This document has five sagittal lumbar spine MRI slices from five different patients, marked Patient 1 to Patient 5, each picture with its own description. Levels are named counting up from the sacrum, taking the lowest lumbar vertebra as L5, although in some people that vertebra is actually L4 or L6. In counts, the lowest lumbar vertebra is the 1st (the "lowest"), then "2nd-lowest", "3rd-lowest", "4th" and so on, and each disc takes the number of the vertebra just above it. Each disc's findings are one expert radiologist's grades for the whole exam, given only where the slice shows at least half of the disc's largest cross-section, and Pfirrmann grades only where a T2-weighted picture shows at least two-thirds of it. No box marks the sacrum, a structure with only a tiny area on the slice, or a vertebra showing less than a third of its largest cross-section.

Patient 1 of 5:
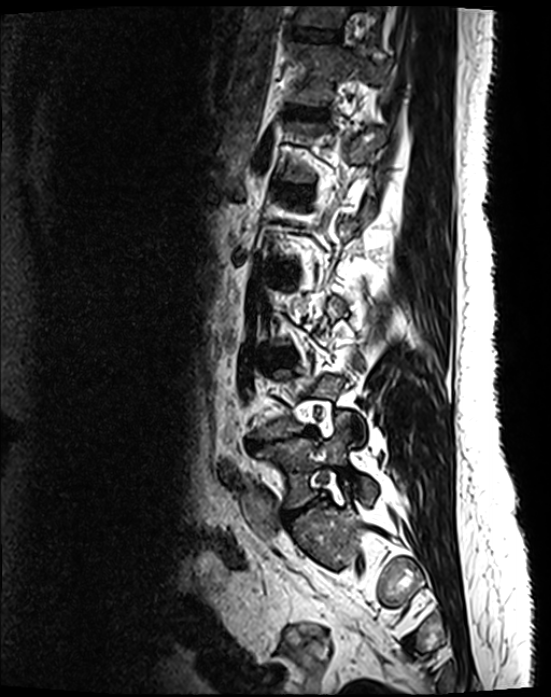

MRI lumbar spine (T2 SPACE (3D)), sagittal plane | Sex F | Slice 91 of 130
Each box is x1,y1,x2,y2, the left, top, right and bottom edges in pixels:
IVD L5/S1 (lowest disc) at 282,497,321,520; L1/L2 (5th disc) at 277,184,295,192; T11 (7th vertebra) at 294,5,379,26; T12 (6th vertebra) at 287,42,381,105; T11/T12 (7th disc) at 290,29,337,40; L4/L5 (2nd-lowest disc) at 248,428,317,448; IVD T12/L1 (6th disc) at 286,106,323,116; L3/L4 (3rd-lowest disc) at 272,351,293,361; L5 (lowest vertebra) at 255,415,375,507.

Degenerative findings by level:
- T11/T12 (7th disc): no Modic or endplate change, herniation, narrowing, bulging or spondylolisthesis recorded

Patient 2 of 5:
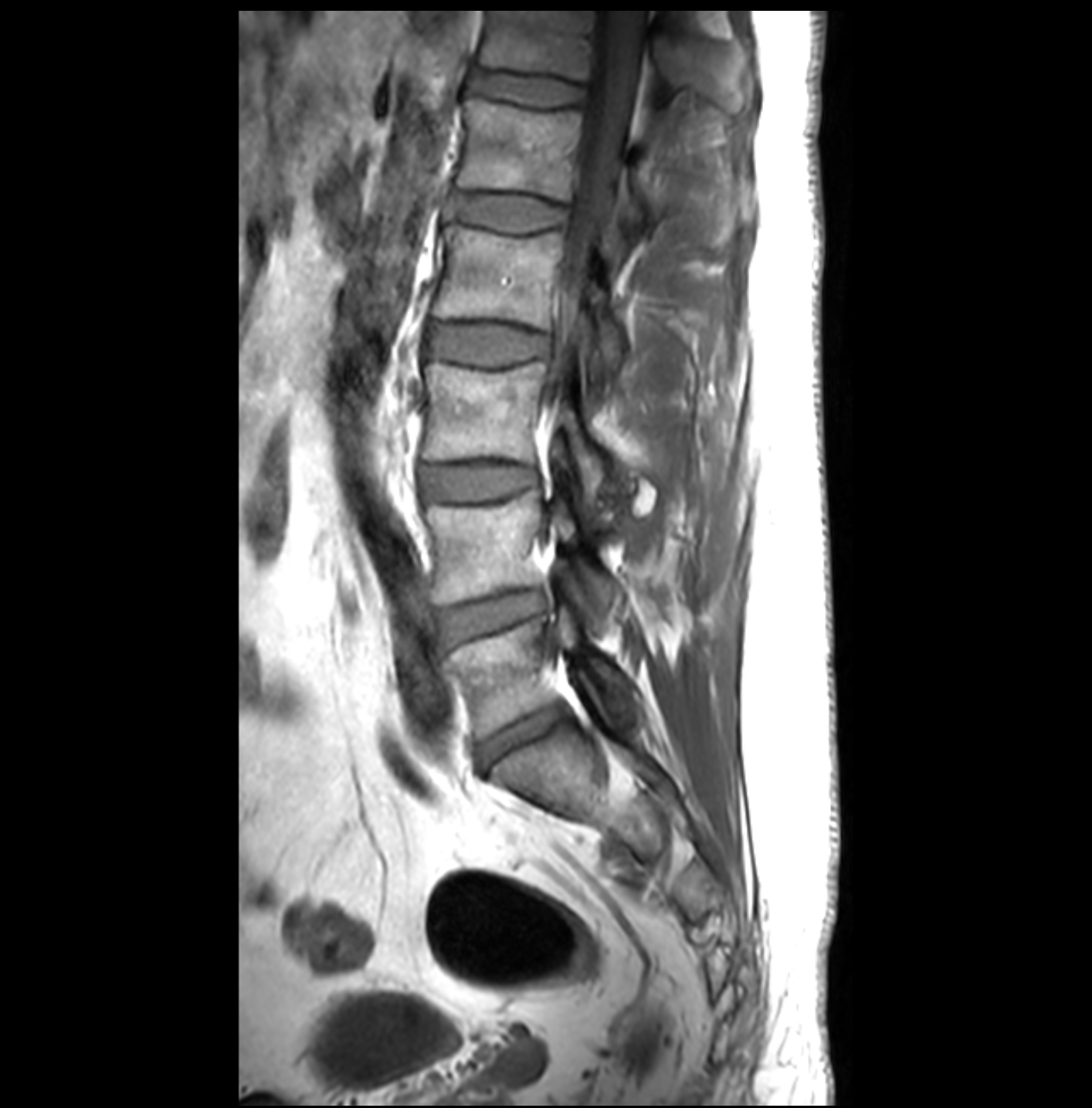 1092x1108 px, Sagittal T1-weighted lumbar spine MRI
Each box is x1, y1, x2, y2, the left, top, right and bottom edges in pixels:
L1 vertebra: 457, 98, 654, 222
L4: 423, 490, 620, 628
L1/L2: 449, 195, 564, 231
intervertebral disc L2/L3: 428, 326, 547, 364
intervertebral disc T12/L1: 471, 70, 585, 106
intervertebral disc L3/L4: 419, 463, 537, 499
thecal sac / spinal canal: 542, 12, 644, 435
T12: 480, 12, 746, 111
L3 vertebra: 422, 363, 605, 503
L4/L5: 436, 590, 547, 643
intervertebral disc L5/S1: 474, 705, 565, 767
L5: 447, 608, 630, 739
L2 vertebra: 433, 225, 620, 366

Degenerative findings by level:
• L4/L5: disc herniation
• L3/L4, L2/L3, T12/L1, L5/S1, L1/L2: no Modic or endplate change, herniation, narrowing, bulging or spondylolisthesis recorded

Patient 3 of 5:
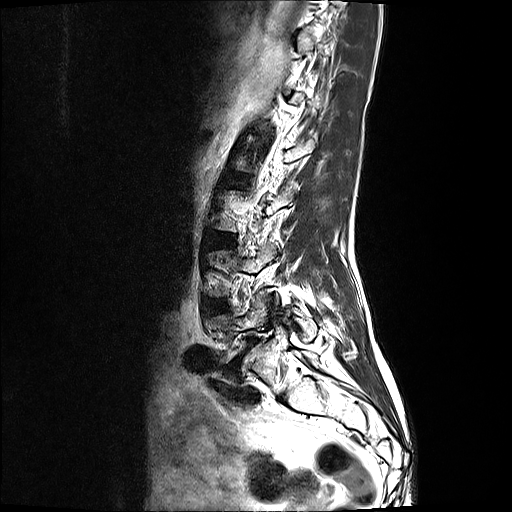 T2-weighted sagittal MRI of the lumbar spine | Slice 15/17

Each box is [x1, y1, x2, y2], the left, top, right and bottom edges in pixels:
{"intervertebral disc L4/L5 (2nd-lowest disc)": "[213, 299, 230, 311]", "intervertebral disc L5/S1 (lowest disc)": "[225, 335, 257, 370]", "intervertebral disc L3/L4 (3rd-lowest disc)": "[208, 232, 236, 247]", "L5 (lowest vertebra)": "[219, 290, 318, 364]"}

Patient 4 of 5:
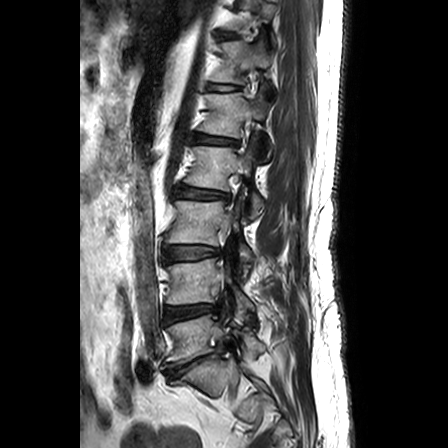 MRI lumbar spine (T2-weighted), sagittal plane

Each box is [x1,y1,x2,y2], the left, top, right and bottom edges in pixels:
L5/S1: [166,345,224,377].
L3 vertebra: [168,200,252,283].
T12 vertebra: [211,30,272,83].
Intervertebral disc L2/L3: [174,187,228,199].
L2: [185,135,263,217].
L4: [167,245,253,320].
L5: [167,315,264,365].
Intervertebral disc L3/L4: [165,246,218,260].
L1 vertebra: [198,93,272,160].
L1/L2: [194,134,236,144].
L4/L5: [165,305,216,321].
Intervertebral disc T12/L1: [208,84,238,90].

Radiological gradings:
- L1/L2: Pfirrmann grade 3, Modic type II, upper-endplate change, disc bulging, lower-endplate change
- L4/L5: Pfirrmann grade 3, disc bulging, disc narrowing
- L3/L4: Pfirrmann grade 2, disc bulging
- L2/L3: Pfirrmann grade 3, disc bulging
- L5/S1: upper-endplate change, disc narrowing, disc bulging, lower-endplate change, spondylolisthesis, Modic type II, disc herniation
- T12/L1: no spondylolisthesis, narrowing, bulging, herniation, Modic or endplate change recorded

Patient 5 of 5:
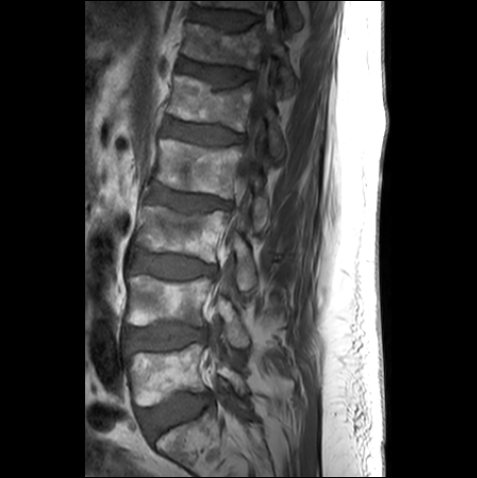 T1-weighted sagittal MRI of the lumbar spine | Patient sex: M

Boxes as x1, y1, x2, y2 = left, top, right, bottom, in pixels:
Annotations:
* spinal canal — 214, 38, 269, 310
* IVD T11/T12 — 191, 8, 258, 29
* T11 vertebra — 197, 0, 302, 31
* L4/L5 — 127, 322, 206, 351
* L1 vertebra — 169, 75, 284, 160
* L2/L3 — 149, 185, 230, 214
* L3/L4 — 131, 255, 215, 278
* T12 — 183, 23, 297, 95
* L4 — 127, 275, 248, 347
* L5 vertebra — 127, 343, 245, 405
* T12/L1 — 180, 60, 251, 86
* IVD L1/L2 — 164, 120, 243, 144
* L5/S1 — 137, 392, 209, 439
* L2 — 155, 139, 269, 231
* L3 — 134, 205, 255, 296

Expert MSK radiologist gradings (per disc):
  T12/L1: upper-endplate change
  L2/L3: upper-endplate change
  L4/L5: lower-endplate change
  L5/S1, T11/T12, L1/L2, L3/L4: no Modic or endplate change, herniation, narrowing, bulging or spondylolisthesis recorded